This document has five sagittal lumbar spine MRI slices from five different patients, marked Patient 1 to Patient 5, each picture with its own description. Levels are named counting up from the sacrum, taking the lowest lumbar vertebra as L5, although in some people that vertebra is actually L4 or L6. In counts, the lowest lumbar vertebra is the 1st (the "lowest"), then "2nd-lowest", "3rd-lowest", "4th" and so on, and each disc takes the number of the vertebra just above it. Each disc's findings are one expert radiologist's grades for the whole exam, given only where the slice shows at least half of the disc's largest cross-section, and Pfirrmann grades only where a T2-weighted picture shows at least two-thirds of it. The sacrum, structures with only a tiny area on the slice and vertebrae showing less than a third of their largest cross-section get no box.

Patient 1 of 5:
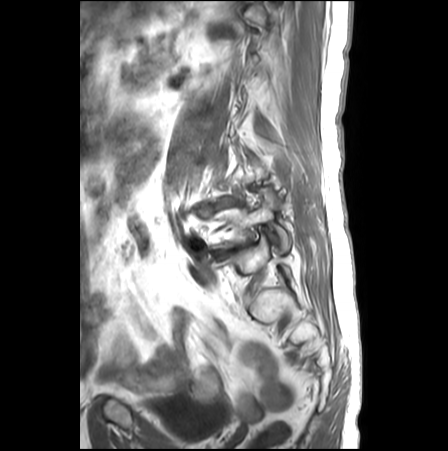 Slice 22 of 26, Sagittal T1-weighted lumbar spine MRI

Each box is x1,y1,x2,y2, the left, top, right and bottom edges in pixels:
Structures:
* 2nd-lowest disc at 197,198,239,216
* lowest vertebra at 208,198,290,249
* lowest disc at 211,239,253,261

Expert MSK radiologist gradings (per disc):
  lowest disc: disc bulging, upper-endplate change, disc narrowing, disc herniation, Modic type II, lower-endplate change
  2nd-lowest disc: disc bulging, disc narrowing, spondylolisthesis, lower-endplate change, disc herniation, Modic type II, upper-endplate change

Patient 2 of 5:
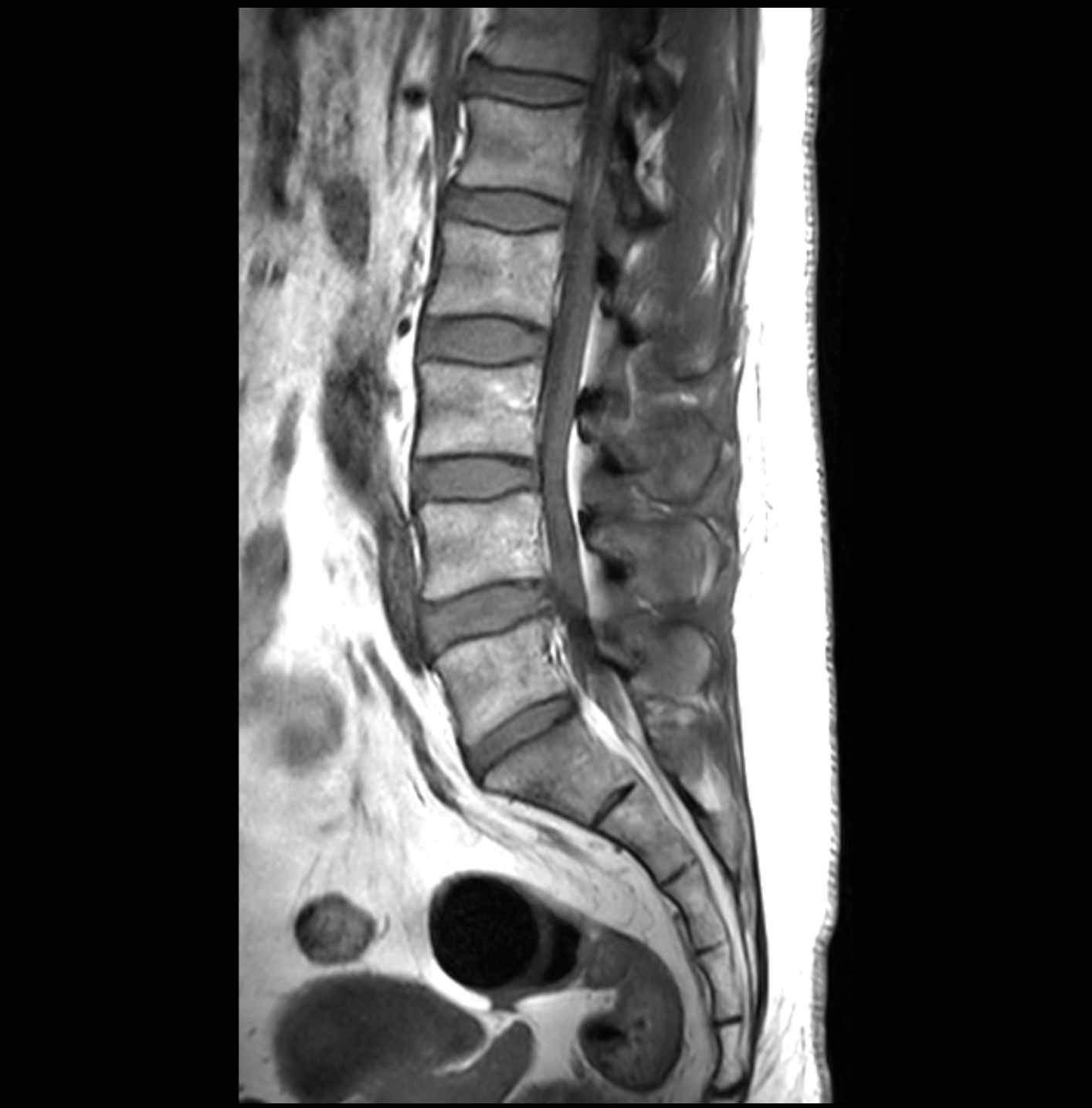
Slice 18/32. Sagittal T1-weighted lumbar spine MRI. Sex M.
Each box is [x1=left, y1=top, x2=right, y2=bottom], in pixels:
L1 at [x1=459, y1=98, x2=640, y2=217], disc L2/L3 at [x1=422, y1=322, x2=544, y2=359], disc L5/S1 at [x1=467, y1=695, x2=572, y2=774], disc L3/L4 at [x1=413, y1=459, x2=538, y2=496], L3 vertebra at [x1=416, y1=361, x2=714, y2=502], L1/L2 at [x1=447, y1=191, x2=565, y2=227], T12/L1 at [x1=473, y1=67, x2=588, y2=102], L2 vertebra at [x1=428, y1=221, x2=716, y2=373], L4 at [x1=416, y1=492, x2=709, y2=602], spinal canal at [x1=539, y1=25, x2=626, y2=716], T12 vertebra at [x1=488, y1=8, x2=670, y2=102], L5 at [x1=433, y1=617, x2=709, y2=745], disc L4/L5 at [x1=423, y1=582, x2=550, y2=649].

Expert MSK radiologist gradings (per disc):
- L4/L5: disc herniation
- L5/S1, L3/L4, L2/L3, T12/L1, L1/L2: no spondylolisthesis, narrowing, bulging, herniation, Modic or endplate change recorded

Patient 3 of 5:
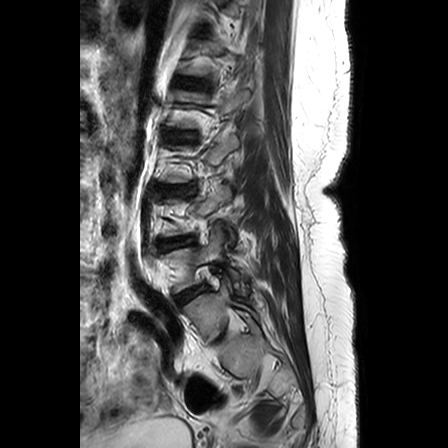

Sagittal T2-weighted lumbar spine MRI
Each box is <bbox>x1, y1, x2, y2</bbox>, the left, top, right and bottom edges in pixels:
Disc L4/L5 at <bbox>181, 286, 203, 300</bbox>, L4 vertebra at <bbox>167, 227, 248, 296</bbox>, L3/L4 at <bbox>161, 238, 188, 248</bbox>, L5 vertebra at <bbox>183, 280, 258, 339</bbox>, L2/L3 at <bbox>163, 186, 188, 193</bbox>, L1/L2 at <bbox>169, 132, 189, 138</bbox>, T12/L1 at <bbox>181, 78, 203, 87</bbox>.

Patient 4 of 5:
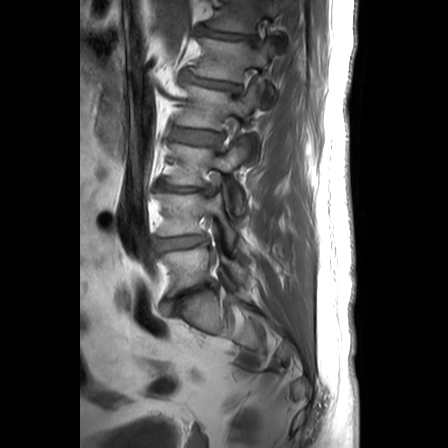 T1-weighted sagittal MRI of the lumbar spine. Sagittal slice index 7. Image 448x448.

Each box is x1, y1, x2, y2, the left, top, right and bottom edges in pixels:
disc L3/L4 (3rd-lowest disc) at 158, 183, 210, 193 | L4 (2nd-lowest vertebra) at 155, 193, 236, 245 | disc L1/L2 (5th disc) at 184, 72, 239, 92 | L4/L5 (2nd-lowest disc) at 156, 235, 205, 249 | L5 (lowest vertebra) at 161, 243, 248, 296 | T12 (6th vertebra) at 208, 0, 286, 32 | disc L2/L3 (4th disc) at 172, 127, 220, 144 | L3 (3rd-lowest vertebra) at 166, 143, 243, 212 | L2 (4th vertebra) at 176, 85, 256, 129 | T12/L1 (6th disc) at 199, 28, 253, 40 | L1 (5th vertebra) at 191, 37, 274, 105 | disc L5/S1 (lowest disc) at 161, 283, 214, 313

Degenerative findings by level:
  L1/L2 (5th disc): disc narrowing, disc bulging
  L3/L4 (3rd-lowest disc): disc herniation, disc narrowing
  L4/L5 (2nd-lowest disc): disc bulging
  T12/L1 (6th disc): disc bulging, disc narrowing
  L5/S1 (lowest disc): disc narrowing, disc bulging
  L2/L3 (4th disc): no herniation, bulging, narrowing, spondylolisthesis, endplate or Modic change recorded

Patient 5 of 5:
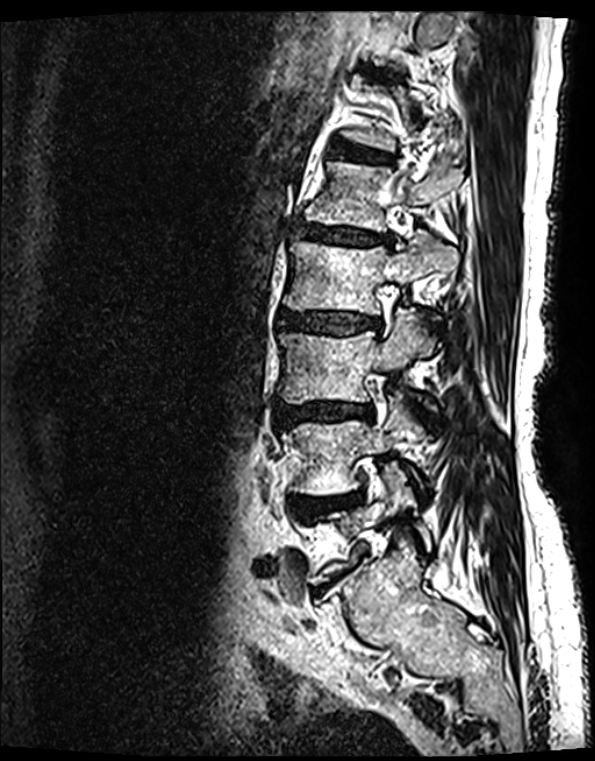 Lumbar spine MR, T2 SPACE (3D), sagittal.
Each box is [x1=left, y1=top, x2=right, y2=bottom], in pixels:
L3 at [x1=277, y1=310, x2=433, y2=410].
Disc T11/T12 at [x1=378, y1=73, x2=395, y2=78].
Disc L3/L4 at [x1=272, y1=403, x2=372, y2=429].
Disc L1/L2 at [x1=295, y1=227, x2=387, y2=244].
L2 at [x1=284, y1=232, x2=456, y2=319].
L2/L3 at [x1=279, y1=313, x2=378, y2=334].
Disc T12/L1 at [x1=329, y1=146, x2=387, y2=163].
Disc L4/L5 at [x1=293, y1=491, x2=363, y2=518].
L4 at [x1=280, y1=397, x2=421, y2=494].
L1 at [x1=303, y1=162, x2=462, y2=232].
L5 at [x1=308, y1=465, x2=430, y2=581].

Degenerative findings by level:
• L3/L4: Pfirrmann grade 4, Modic type II, lower-endplate change, upper-endplate change, disc narrowing, disc bulging
• L1/L2: Pfirrmann grade 4, lower-endplate change, disc bulging, upper-endplate change, disc narrowing, Modic type II
• L2/L3: Pfirrmann grade 4, upper-endplate change, disc bulging, Modic type II, disc narrowing, lower-endplate change
• T12/L1: lower-endplate change, upper-endplate change, Modic type II
• L4/L5: Modic type II, disc herniation, upper-endplate change, disc bulging, lower-endplate change, disc narrowing